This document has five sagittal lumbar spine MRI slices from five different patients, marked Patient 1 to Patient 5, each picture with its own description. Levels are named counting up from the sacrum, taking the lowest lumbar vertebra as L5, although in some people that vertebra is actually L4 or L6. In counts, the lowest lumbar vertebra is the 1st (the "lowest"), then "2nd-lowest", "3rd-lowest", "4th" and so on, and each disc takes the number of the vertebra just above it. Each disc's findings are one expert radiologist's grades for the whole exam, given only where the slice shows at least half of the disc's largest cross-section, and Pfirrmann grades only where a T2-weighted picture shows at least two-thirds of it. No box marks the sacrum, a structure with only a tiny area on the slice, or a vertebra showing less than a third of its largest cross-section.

Patient 1 of 5:
T2-weighted sagittal MRI of the lumbar spine. 658x659 px. Patient sex: F. Sagittal slice index 10. 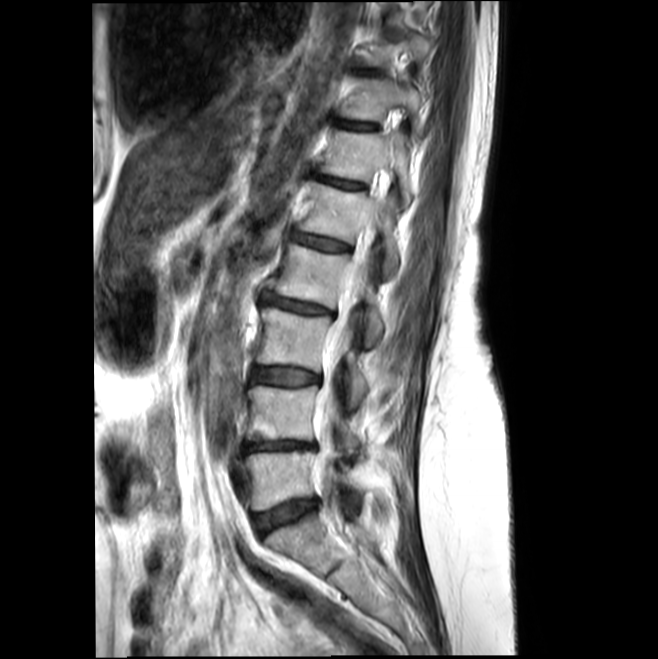

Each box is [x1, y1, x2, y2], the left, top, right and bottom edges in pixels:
Intervertebral disc T11/T12: [338, 121, 374, 130].
L5 vertebra: [245, 451, 361, 510].
Intervertebral disc L5/S1: [254, 499, 315, 535].
Thecal sac / spinal canal: [314, 222, 373, 520].
L4: [247, 386, 359, 448].
Intervertebral disc L1/L2: [295, 233, 351, 251].
L3: [256, 307, 368, 406].
T12/L1: [321, 176, 365, 189].
T12 vertebra: [321, 130, 412, 203].
T11: [341, 79, 420, 126].
L1 vertebra: [299, 182, 397, 275].
L4/L5: [246, 441, 316, 450].
L2/L3: [268, 296, 336, 318].
L2 vertebra: [275, 245, 383, 345].
Intervertebral disc L3/L4: [252, 368, 320, 385].

Radiological gradings:
  L4/L5: Pfirrmann grade 3, Modic type II, disc bulging, lower-endplate change, upper-endplate change
  L5/S1: Pfirrmann grade 2, disc bulging
  L2/L3: Pfirrmann grade 2, disc bulging
  L3/L4: Pfirrmann grade 2, disc bulging, Modic type II
  L1/L2: Pfirrmann grade 2
  T12/L1: no herniation, bulging, narrowing, spondylolisthesis, endplate or Modic change recorded

Patient 2 of 5:
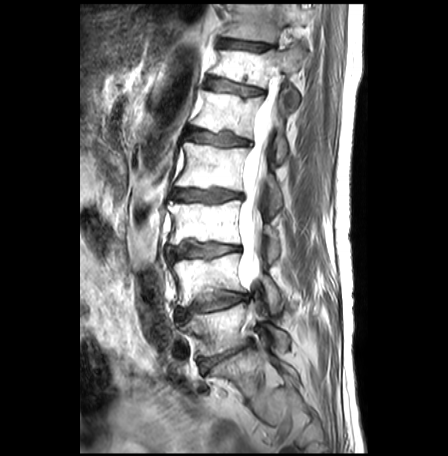

Image 448x456. T2-weighted sagittal MRI of the lumbar spine.
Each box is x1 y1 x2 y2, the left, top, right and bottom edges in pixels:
5th vertebra: 193 91 287 165
4th disc: 172 189 241 203
7th vertebra: 223 4 311 43
3rd-lowest disc: 166 240 239 263
6th vertebra: 212 44 304 107
2nd-lowest vertebra: 171 253 281 312
2nd-lowest disc: 178 289 248 320
lowest vertebra: 180 301 289 356
spinal canal: 238 84 277 285
5th disc: 188 129 248 146
6th disc: 206 76 262 94
3rd-lowest vertebra: 168 200 280 260
lowest disc: 199 342 251 369
4th vertebra: 175 142 281 215
7th disc: 219 39 269 49

Degenerative findings by level:
  2nd-lowest disc: Pfirrmann grade 2, upper-endplate change, disc bulging, lower-endplate change, Modic type II
  lowest disc: disc bulging, disc narrowing, Modic type II
  5th disc: Pfirrmann grade 3, upper-endplate change, disc bulging, lower-endplate change, Modic type II
  4th disc: Pfirrmann grade 3, lower-endplate change, disc narrowing, Modic type II, upper-endplate change, disc bulging
  3rd-lowest disc: Pfirrmann grade 3, upper-endplate change, disc narrowing, disc bulging, Modic type II, lower-endplate change
  7th disc: upper-endplate change, lower-endplate change, Modic type II
  6th disc: Pfirrmann grade 3, disc bulging, Modic type II, lower-endplate change, upper-endplate change

Patient 3 of 5:
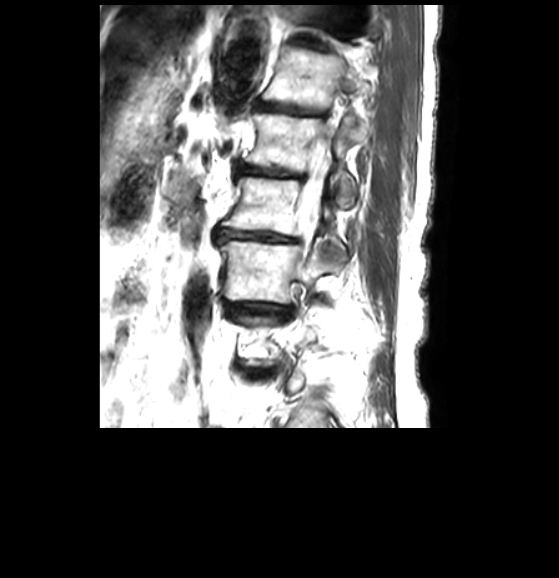

T2-weighted sagittal MRI of the lumbar spine
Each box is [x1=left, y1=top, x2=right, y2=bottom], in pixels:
L2/L3 at [x1=215, y1=228, x2=299, y2=242].
IVD L3/L4 at [x1=228, y1=302, x2=290, y2=316].
Thecal sac / spinal canal at [x1=297, y1=118, x2=334, y2=252].
L3 vertebra at [x1=220, y1=237, x2=337, y2=302].
L2 vertebra at [x1=222, y1=177, x2=344, y2=257].
L1/L2 at [x1=238, y1=164, x2=302, y2=179].
T11/T12 at [x1=291, y1=37, x2=326, y2=49].
T12 at [x1=262, y1=47, x2=370, y2=111].
L1 at [x1=245, y1=113, x2=369, y2=205].
T12/L1 at [x1=257, y1=103, x2=321, y2=115].

Expert MSK radiologist gradings (per disc):
  T11/T12: Pfirrmann grade 4, disc narrowing
  L2/L3: Pfirrmann grade 4, disc bulging, disc narrowing
  L3/L4: Pfirrmann grade 3, disc narrowing, disc bulging
  L1/L2: disc narrowing

Patient 4 of 5:
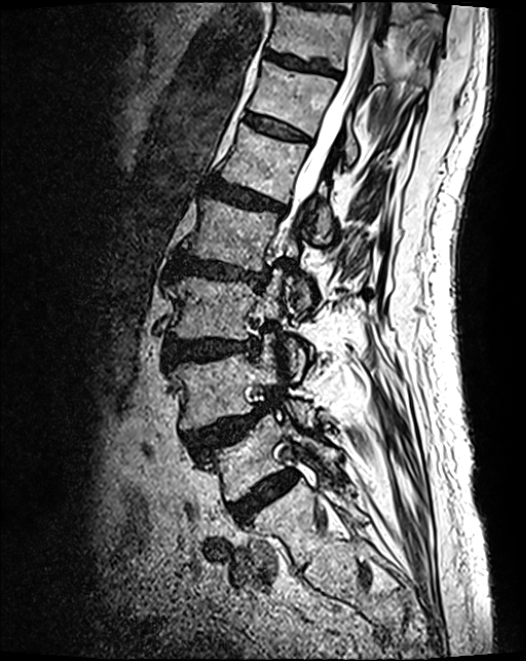

MRI lumbar spine (T2 SPACE (3D)), sagittal plane
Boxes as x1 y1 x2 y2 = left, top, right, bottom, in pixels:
IVD L4/L5 (2nd-lowest disc): 186 405 268 454.
L2/L3 (4th disc): 173 253 268 285.
L2 (4th vertebra): 183 197 310 310.
T11/T12 (7th disc): 265 51 337 75.
IVD T12/L1 (6th disc): 245 115 307 141.
L3 (3rd-lowest vertebra): 171 271 304 377.
L5 (lowest vertebra): 203 417 340 501.
L1/L2 (5th disc): 205 179 285 215.
L1 (5th vertebra): 219 126 334 240.
IVD L3/L4 (3rd-lowest disc): 166 340 257 364.
Spinal canal: 280 0 380 248.
L5/S1 (lowest disc): 229 473 297 524.
T12 (6th vertebra): 248 62 359 166.
T11 (7th vertebra): 269 3 429 83.
L4 (2nd-lowest vertebra): 172 338 318 429.

Radiological gradings:
- T12/L1 (6th disc): Pfirrmann grade 3
- L2/L3 (4th disc): Pfirrmann grade 4, lower-endplate change, upper-endplate change, disc bulging, disc narrowing
- L4/L5 (2nd-lowest disc): Pfirrmann grade 4, spondylolisthesis, disc herniation, upper-endplate change
- L1/L2 (5th disc): Pfirrmann grade 4, lower-endplate change, disc bulging, upper-endplate change
- L5/S1 (lowest disc): Pfirrmann grade 4
- L3/L4 (3rd-lowest disc): Pfirrmann grade 4, disc bulging
- T11/T12 (7th disc): Pfirrmann grade 3, lower-endplate change

Patient 5 of 5:
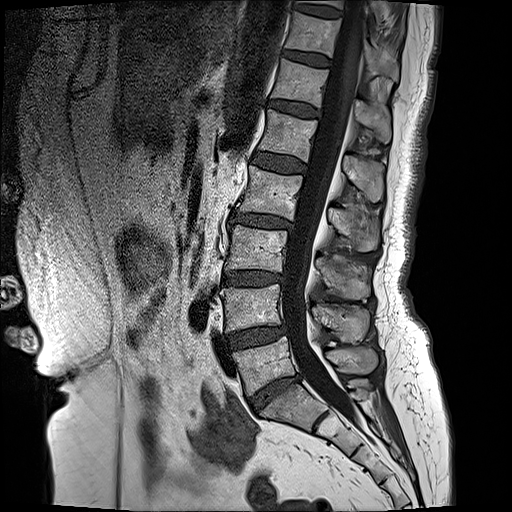 Slice 9/17. 512x512 px. MRI lumbar spine (T1-weighted), sagittal plane. Field of view 300x300 mm, slice spacing 3.3 mm.
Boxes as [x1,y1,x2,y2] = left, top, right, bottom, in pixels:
Segmented structures:
* L1 (5th vertebra) at [259,110,382,201]
* L2/L3 (4th disc) at [230,210,290,227]
* IVD T11/T12 (7th disc) at [285,51,330,66]
* L1/L2 (5th disc) at [252,153,305,172]
* T11 (7th vertebra) at [286,12,398,81]
* T10/T11 (8th disc) at [292,4,340,17]
* L2 (4th vertebra) at [238,166,378,250]
* thecal sac / spinal canal at [282,1,363,425]
* T10 (8th vertebra) at [297,0,382,16]
* T12 (6th vertebra) at [271,58,391,143]
* L5/S1 (lowest disc) at [249,376,299,412]
* IVD L3/L4 (3rd-lowest disc) at [222,271,283,284]
* L5 (lowest vertebra) at [233,337,378,394]
* L3 (3rd-lowest vertebra) at [227,225,370,300]
* L4 (2nd-lowest vertebra) at [221,283,369,341]
* IVD L4/L5 (2nd-lowest disc) at [227,326,285,349]
* T12/L1 (6th disc) at [267,99,319,117]

Degenerative findings by level:
- L3/L4 (3rd-lowest disc): lower-endplate change, disc narrowing, Modic type II, upper-endplate change, disc bulging
- L4/L5 (2nd-lowest disc): disc bulging
- L2/L3 (4th disc): upper-endplate change, disc bulging, lower-endplate change, disc narrowing, Modic type II
- L5/S1 (lowest disc): disc bulging, disc narrowing
- T12/L1 (6th disc): disc bulging
- T10/T11 (8th disc), L1/L2 (5th disc), T11/T12 (7th disc): no spondylolisthesis, narrowing, bulging, herniation, Modic or endplate change recorded